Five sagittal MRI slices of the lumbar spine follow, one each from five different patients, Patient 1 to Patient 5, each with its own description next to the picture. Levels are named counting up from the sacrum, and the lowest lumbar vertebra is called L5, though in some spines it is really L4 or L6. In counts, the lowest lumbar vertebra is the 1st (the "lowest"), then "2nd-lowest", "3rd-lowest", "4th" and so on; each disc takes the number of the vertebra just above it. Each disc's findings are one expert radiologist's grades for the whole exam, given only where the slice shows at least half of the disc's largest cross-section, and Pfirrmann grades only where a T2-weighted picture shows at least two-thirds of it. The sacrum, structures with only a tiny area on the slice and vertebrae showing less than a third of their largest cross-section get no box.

Patient 1 of 5:
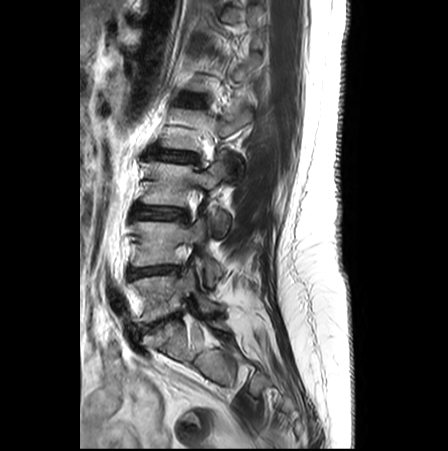 Sagittal T2-weighted lumbar spine MRI; Sex F
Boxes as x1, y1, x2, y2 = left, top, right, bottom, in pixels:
{"L2 vertebra": "161, 106, 252, 183", "L5 vertebra": "128, 268, 220, 326", "intervertebral disc L4/L5": "128, 266, 181, 280", "L5/S1": "138, 313, 179, 333", "intervertebral disc L2/L3": "152, 150, 198, 162", "L3/L4": "132, 205, 187, 219", "L3": "141, 153, 230, 237", "intervertebral disc L1/L2": "186, 97, 202, 105", "L4": "131, 217, 223, 286"}

Degenerative findings by level:
  L4/L5: Pfirrmann grade 3, Modic type II, disc narrowing, upper-endplate change, disc bulging
  L2/L3: Pfirrmann grade 2, disc bulging, disc narrowing
  L3/L4: Pfirrmann grade 2, disc bulging, Modic type II

Patient 2 of 5:
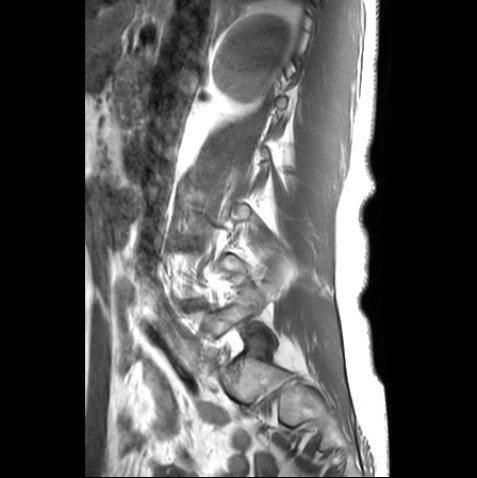 Lumbar spine MR, T1-weighted, sagittal, Field of view 280x281 mm, slice spacing 3.3 mm

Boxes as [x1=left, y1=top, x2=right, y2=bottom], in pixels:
2nd-lowest disc at [x1=181, y1=302, x2=196, y2=306].
Lowest vertebra at [x1=186, y1=293, x2=263, y2=353].

Patient 3 of 5:
T2-weighted sagittal MRI of the lumbar spine. 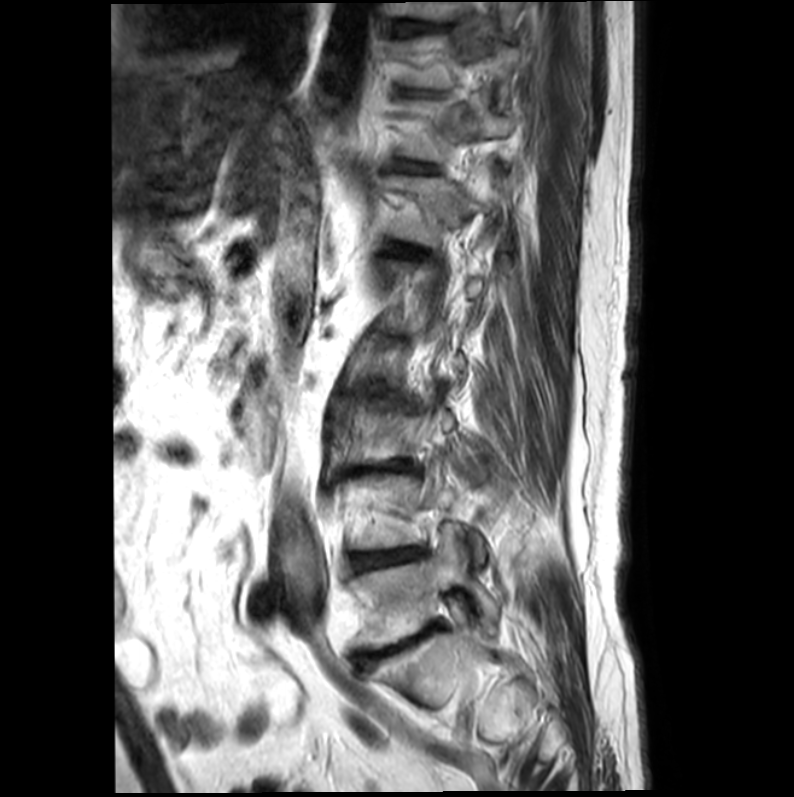 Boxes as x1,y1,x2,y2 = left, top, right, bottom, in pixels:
T12/L1 = 395,244,412,256.
T10 vertebra = 404,35,520,101.
T11 = 393,100,517,161.
T9 vertebra = 389,1,514,31.
Disc T11/T12 = 395,161,430,171.
Disc L4/L5 = 352,549,418,570.
Disc L5/S1 = 360,622,438,660.
T12 = 384,166,511,245.
L5 = 349,542,499,648.
Disc T9/T10 = 392,20,435,33.

Expert MSK radiologist gradings (per disc):
• T9/T10: no spondylolisthesis, narrowing, bulging, herniation, Modic or endplate change recorded

Patient 4 of 5:
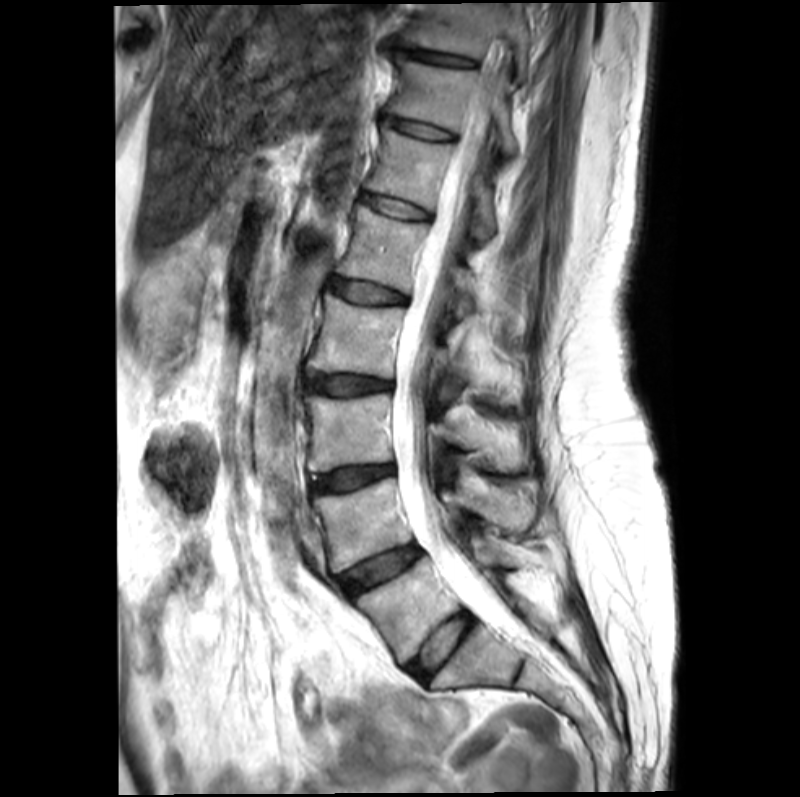 MRI lumbar spine (T2-weighted), sagittal plane | 800x797 px

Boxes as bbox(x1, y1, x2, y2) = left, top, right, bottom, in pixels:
Annotations:
- 6th vertebra at bbox(366, 128, 495, 240)
- 3rd-lowest vertebra at bbox(302, 393, 513, 471)
- 3rd-lowest disc at bbox(309, 464, 392, 491)
- 8th vertebra at bbox(403, 3, 529, 75)
- 5th disc at bbox(328, 277, 404, 302)
- lowest vertebra at bbox(356, 529, 514, 663)
- lowest disc at bbox(406, 613, 470, 680)
- 5th vertebra at bbox(335, 206, 480, 310)
- 4th vertebra at bbox(306, 294, 472, 381)
- 7th disc at bbox(380, 114, 451, 140)
- 8th disc at bbox(395, 48, 472, 65)
- 4th disc at bbox(302, 371, 389, 394)
- spinal canal at bbox(395, 86, 521, 635)
- 7th vertebra at bbox(385, 60, 516, 154)
- 2nd-lowest disc at bbox(338, 545, 423, 598)
- 2nd-lowest vertebra at bbox(312, 477, 535, 572)
- 6th disc at bbox(361, 193, 430, 219)

Per-level radiological findings:
• 4th disc: Pfirrmann grade 3, disc bulging, lower-endplate change, Modic type II, upper-endplate change
• 6th disc: Pfirrmann grade 2, Modic type II
• 8th disc: Pfirrmann grade 3
• 5th disc: Pfirrmann grade 2, Modic type II, lower-endplate change, upper-endplate change
• 2nd-lowest disc: Pfirrmann grade 3, Modic type II
• 7th disc: Pfirrmann grade 2
• 3rd-lowest disc: Pfirrmann grade 3, disc bulging, Modic type II, upper-endplate change, disc narrowing, lower-endplate change
• lowest disc: Pfirrmann grade 2, Modic type II

Patient 5 of 5:
T2-weighted sagittal MRI of the lumbar spine. Scanner: SIEMENS Avanto_fit (1.5T). Image 538x539.
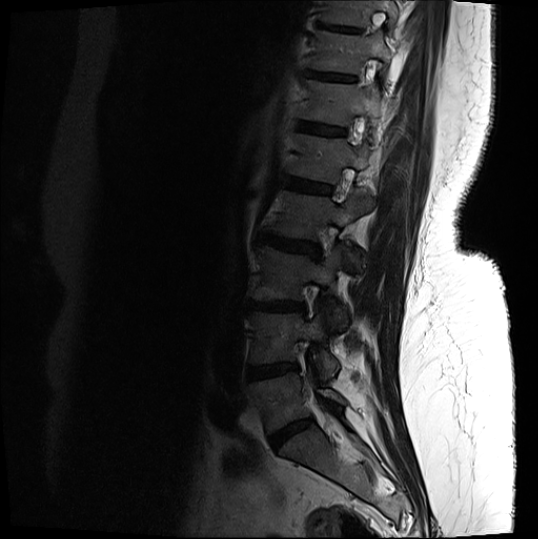
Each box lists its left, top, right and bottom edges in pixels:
Disc L2/L3 (4th disc) at left=262, top=232, right=320, bottom=256; disc L1/L2 (5th disc) at left=287, top=177, right=331, bottom=194; disc L5/S1 (lowest disc) at left=270, top=419, right=311, bottom=448; T10 (8th vertebra) at left=322, top=1, right=398, bottom=26; L5 (lowest vertebra) at left=250, top=367, right=345, bottom=433; T11 (7th vertebra) at left=312, top=32, right=392, bottom=74; disc L3/L4 (3rd-lowest disc) at left=251, top=301, right=304, bottom=311; T10/T11 (8th disc) at left=319, top=24, right=359, bottom=32; L4/L5 (2nd-lowest disc) at left=249, top=364, right=297, bottom=379; disc T12/L1 (6th disc) at left=300, top=122, right=344, bottom=136; T12 (6th vertebra) at left=302, top=81, right=388, bottom=126; disc T11/T12 (7th disc) at left=309, top=72, right=356, bottom=82; L3 (3rd-lowest vertebra) at left=255, top=246, right=353, bottom=329; L4 (2nd-lowest vertebra) at left=251, top=312, right=339, bottom=378; L2 (4th vertebra) at left=271, top=191, right=373, bottom=266; L1 (5th vertebra) at left=290, top=134, right=377, bottom=184.

Degenerative findings by level:
  L4/L5 (2nd-lowest disc): lower-endplate change, disc bulging, Modic type II
  T11/T12 (7th disc): upper-endplate change
  L5/S1 (lowest disc): disc bulging, disc narrowing
  L3/L4 (3rd-lowest disc): Pfirrmann grade 4, disc narrowing, Modic type II, disc bulging, lower-endplate change, upper-endplate change
  L1/L2 (5th disc): lower-endplate change, Modic type II, upper-endplate change
  T12/L1 (6th disc): upper-endplate change, lower-endplate change
  L2/L3 (4th disc): Pfirrmann grade 4, lower-endplate change, disc bulging, upper-endplate change